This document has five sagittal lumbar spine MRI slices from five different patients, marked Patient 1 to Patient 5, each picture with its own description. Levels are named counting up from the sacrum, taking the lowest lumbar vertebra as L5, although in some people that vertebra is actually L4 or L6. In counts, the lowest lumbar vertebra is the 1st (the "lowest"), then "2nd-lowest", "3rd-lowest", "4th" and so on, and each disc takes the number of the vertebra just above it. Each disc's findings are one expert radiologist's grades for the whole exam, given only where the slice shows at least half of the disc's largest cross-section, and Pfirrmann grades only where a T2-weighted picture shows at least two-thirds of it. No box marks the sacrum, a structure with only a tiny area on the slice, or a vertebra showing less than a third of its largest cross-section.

Patient 1 of 5:
Slice spacing 3.3 mm | MRI lumbar spine (T2-weighted), sagittal plane | Slice 20/32
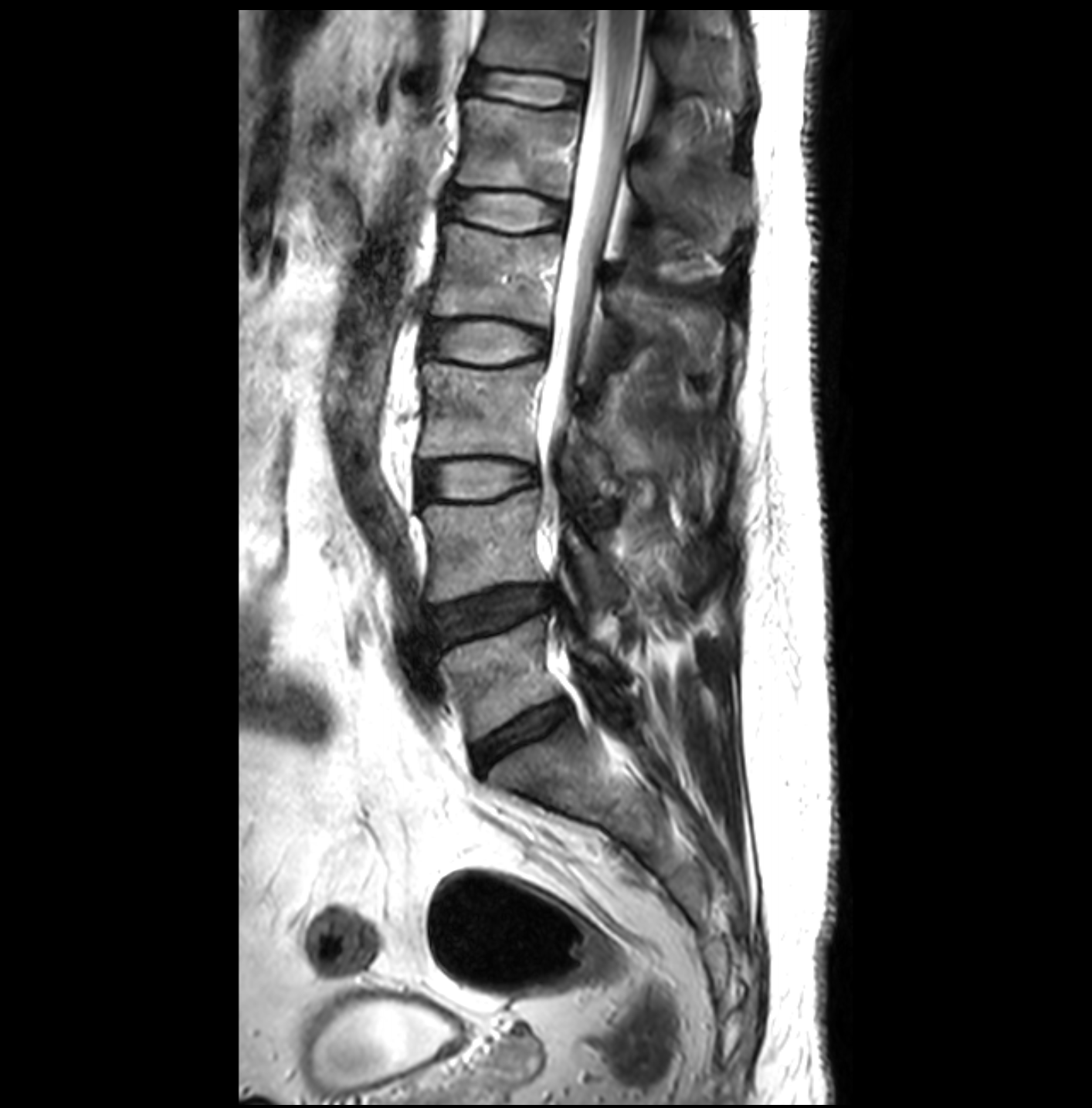
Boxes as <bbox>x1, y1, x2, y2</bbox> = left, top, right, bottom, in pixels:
• spinal canal: <bbox>539, 10, 644, 537</bbox>
• intervertebral disc L2/L3: <bbox>426, 324, 544, 360</bbox>
• L3 vertebra: <bbox>419, 363, 605, 483</bbox>
• T12/L1: <bbox>469, 69, 586, 104</bbox>
• L5: <bbox>440, 617, 615, 743</bbox>
• L1/L2: <bbox>447, 192, 564, 229</bbox>
• L3/L4: <bbox>418, 461, 538, 497</bbox>
• L5/S1: <bbox>473, 699, 567, 772</bbox>
• L2: <bbox>430, 223, 626, 342</bbox>
• T12: <bbox>480, 10, 704, 86</bbox>
• intervertebral disc L4/L5: <bbox>436, 586, 548, 642</bbox>
• L1 vertebra: <bbox>454, 98, 671, 215</bbox>
• L4 vertebra: <bbox>419, 490, 623, 601</bbox>

Radiological gradings:
- L5/S1: Pfirrmann grade 3
- L3/L4: Pfirrmann grade 1
- L4/L5: Pfirrmann grade 3, disc herniation
- L2/L3: Pfirrmann grade 1
- L1/L2: Pfirrmann grade 1
- T12/L1: Pfirrmann grade 1

Patient 2 of 5:
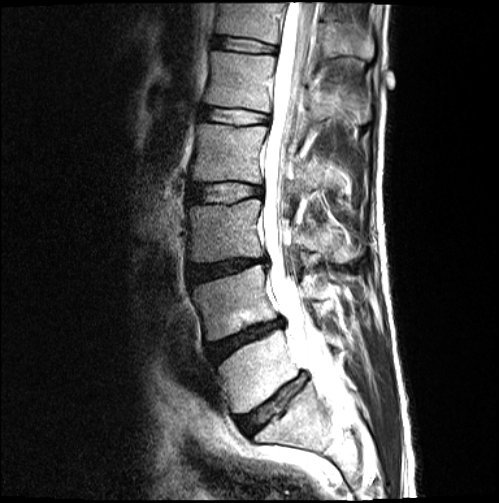 Sex M; Image 499x503; Slice 10/18; T2-weighted sagittal MRI of the lumbar spine

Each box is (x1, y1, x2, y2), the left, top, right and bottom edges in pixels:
disc L3/L4: (187, 258, 267, 282)
L4/L5: (207, 319, 282, 362)
T12 vertebra: (217, 3, 373, 58)
L5/S1: (238, 374, 306, 435)
thecal sac / spinal canal: (261, 2, 350, 410)
L5 vertebra: (218, 330, 298, 412)
L1 vertebra: (205, 51, 358, 125)
disc L1/L2: (200, 107, 269, 124)
L3 vertebra: (188, 199, 358, 262)
disc L2/L3: (188, 183, 262, 203)
L4 vertebra: (192, 265, 329, 340)
L2 vertebra: (191, 123, 324, 191)
T12/L1: (214, 37, 276, 52)

Degenerative findings by level:
- L3/L4: Pfirrmann grade 4, upper-endplate change, lower-endplate change, disc narrowing, disc bulging
- L4/L5: Pfirrmann grade 4, lower-endplate change, upper-endplate change, disc bulging, disc narrowing
- T12/L1: Pfirrmann grade 2
- L2/L3: Pfirrmann grade 2
- L5/S1: Pfirrmann grade 3, disc narrowing, disc bulging, upper-endplate change, lower-endplate change
- L1/L2: Pfirrmann grade 2

Patient 3 of 5:
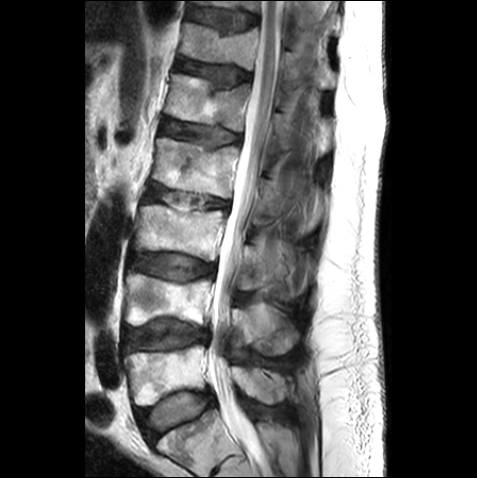 MRI lumbar spine (T2-weighted), sagittal plane | Patient sex: M
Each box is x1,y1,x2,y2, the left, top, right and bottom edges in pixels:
* disc T12/L1 (6th disc) — 176,59,250,86
* L3 (3rd-lowest vertebra) — 132,204,288,298
* T12 (6th vertebra) — 179,22,335,87
* L5 (lowest vertebra) — 123,344,286,405
* L2/L3 (4th disc) — 145,184,228,212
* L2 (4th vertebra) — 152,137,283,215
* L1 (5th vertebra) — 164,73,289,149
* L4 (2nd-lowest vertebra) — 124,271,298,354
* disc L3/L4 (3rd-lowest disc) — 132,254,214,279
* T11 (7th vertebra) — 193,0,335,31
* L5/S1 (lowest disc) — 136,391,212,441
* T11/T12 (7th disc) — 187,7,256,30
* L1/L2 (5th disc) — 161,119,240,145
* disc L4/L5 (2nd-lowest disc) — 123,319,208,350
* thecal sac / spinal canal — 209,0,284,456

Radiological gradings:
  L2/L3 (4th disc): Pfirrmann grade 3, upper-endplate change
  T12/L1 (6th disc): Pfirrmann grade 3, upper-endplate change
  L4/L5 (2nd-lowest disc): Pfirrmann grade 2, lower-endplate change
  T11/T12 (7th disc): Pfirrmann grade 2
  L1/L2 (5th disc): Pfirrmann grade 3
  L3/L4 (3rd-lowest disc): Pfirrmann grade 2
  L5/S1 (lowest disc): Pfirrmann grade 1

Patient 4 of 5:
MRI lumbar spine (T1-weighted), sagittal plane

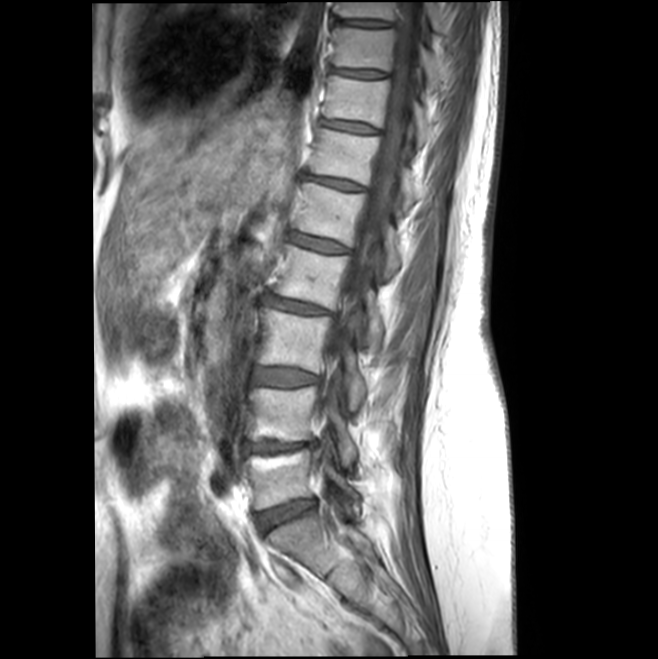

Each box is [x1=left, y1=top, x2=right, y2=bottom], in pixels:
Annotations:
• T9 — [x1=333, y1=2, x2=442, y2=32]
• T11 — [x1=323, y1=75, x2=433, y2=145]
• L1 — [x1=293, y1=183, x2=400, y2=277]
• L3/L4 — [x1=252, y1=368, x2=317, y2=386]
• T12 vertebra — [x1=310, y1=128, x2=422, y2=209]
• thecal sac / spinal canal — [x1=325, y1=1, x2=423, y2=404]
• L5/S1 — [x1=256, y1=501, x2=314, y2=532]
• L2/L3 — [x1=269, y1=297, x2=325, y2=313]
• intervertebral disc L1/L2 — [x1=289, y1=232, x2=346, y2=253]
• T10 vertebra — [x1=332, y1=27, x2=445, y2=81]
• L3 vertebra — [x1=257, y1=309, x2=365, y2=410]
• L5 — [x1=246, y1=444, x2=359, y2=510]
• intervertebral disc L4/L5 — [x1=245, y1=442, x2=314, y2=451]
• L4 — [x1=248, y1=386, x2=356, y2=466]
• intervertebral disc T11/T12 — [x1=320, y1=120, x2=374, y2=133]
• T10/T11 — [x1=332, y1=67, x2=385, y2=78]
• intervertebral disc T9/T10 — [x1=338, y1=19, x2=387, y2=27]
• L2 vertebra — [x1=275, y1=245, x2=382, y2=344]
• T12/L1 — [x1=306, y1=176, x2=360, y2=190]

Radiological gradings:
• L3/L4: Modic type II, disc bulging
• L5/S1: disc bulging
• L4/L5: upper-endplate change, Modic type II, disc bulging, lower-endplate change
• L2/L3: disc bulging
• L1/L2, T12/L1, T10/T11, T9/T10, T11/T12: no Modic or endplate change, herniation, narrowing, bulging or spondylolisthesis recorded

Patient 5 of 5:
Slice 11 of 17, T1-weighted sagittal MRI of the lumbar spine, Slice spacing 4.4 mm, SIEMENS SymphonyTim (1.5T), Sex F 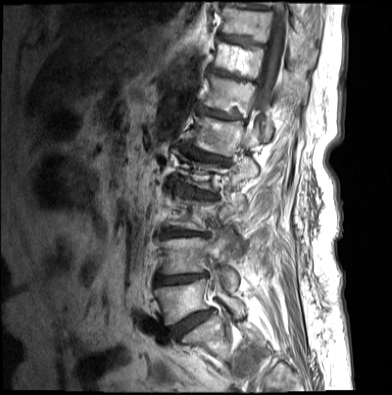 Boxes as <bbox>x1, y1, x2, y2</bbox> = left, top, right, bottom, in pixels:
Structures:
• disc L3/L4 (3rd-lowest disc): <bbox>160, 229, 208, 237</bbox>
• L5 (lowest vertebra): <bbox>154, 275, 243, 324</bbox>
• disc L1/L2 (5th disc): <bbox>181, 143, 229, 163</bbox>
• L1 (5th vertebra): <bbox>190, 116, 259, 156</bbox>
• T11 (7th vertebra): <bbox>214, 40, 309, 100</bbox>
• T9/T10 (9th disc): <bbox>230, 2, 268, 9</bbox>
• T12/L1 (6th disc): <bbox>197, 104, 242, 119</bbox>
• T10 (8th vertebra): <bbox>219, 5, 302, 49</bbox>
• L4/L5 (2nd-lowest disc): <bbox>154, 273, 206, 285</bbox>
• thecal sac / spinal canal: <bbox>214, 1, 286, 288</bbox>
• T10/T11 (8th disc): <bbox>218, 34, 264, 45</bbox>
• L5/S1 (lowest disc): <bbox>167, 309, 212, 339</bbox>
• T11/T12 (7th disc): <bbox>210, 67, 258, 82</bbox>
• L2/L3 (4th disc): <bbox>168, 181, 217, 198</bbox>
• L4 (2nd-lowest vertebra): <bbox>158, 230, 238, 291</bbox>
• T12 (6th vertebra): <bbox>203, 73, 273, 140</bbox>

Expert MSK radiologist gradings (per disc):
• L4/L5 (2nd-lowest disc): lower-endplate change, Modic type II, upper-endplate change, disc narrowing, disc bulging
• T11/T12 (7th disc): disc bulging, Modic type II, disc narrowing
• L5/S1 (lowest disc): Modic type II, disc narrowing, disc bulging, spondylolisthesis
• T12/L1 (6th disc): lower-endplate change, Modic type II, disc narrowing, upper-endplate change, disc bulging
• L2/L3 (4th disc): upper-endplate change, disc herniation, Modic type II, disc narrowing, lower-endplate change, disc bulging
• L1/L2 (5th disc): lower-endplate change, disc narrowing, upper-endplate change, disc bulging, Modic type II
• L3/L4 (3rd-lowest disc): upper-endplate change, disc narrowing, Modic type II, lower-endplate change, disc bulging
• T10/T11 (8th disc): Modic type II
• T9/T10 (9th disc): no herniation, bulging, narrowing, spondylolisthesis, endplate or Modic change recorded